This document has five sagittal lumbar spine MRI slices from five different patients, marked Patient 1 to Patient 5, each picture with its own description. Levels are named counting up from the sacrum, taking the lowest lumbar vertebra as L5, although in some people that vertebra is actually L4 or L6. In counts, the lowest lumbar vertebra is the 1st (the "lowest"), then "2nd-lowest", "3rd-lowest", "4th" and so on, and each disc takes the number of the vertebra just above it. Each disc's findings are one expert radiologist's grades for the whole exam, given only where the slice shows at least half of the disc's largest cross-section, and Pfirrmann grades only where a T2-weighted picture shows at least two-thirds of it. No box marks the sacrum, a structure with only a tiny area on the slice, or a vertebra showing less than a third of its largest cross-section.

Patient 1 of 5:
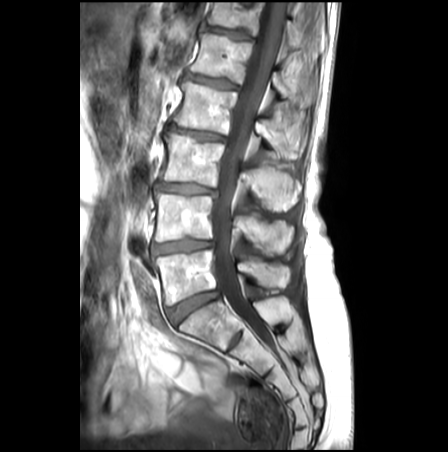 Patient sex: F | Lumbar spine MR, T1-weighted, sagittal | Slice 15 of 27
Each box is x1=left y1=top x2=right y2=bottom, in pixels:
Structures:
- L2 vertebra at x1=173 y1=80 x2=297 y2=156
- IVD L3/L4 at x1=156 y1=182 x2=213 y2=193
- thecal sac / spinal canal at x1=210 y1=2 x2=286 y2=328
- L1 vertebra at x1=189 y1=33 x2=295 y2=101
- T12/L1 at x1=203 y1=26 x2=250 y2=39
- IVD L5/S1 at x1=167 y1=291 x2=218 y2=324
- IVD L4/L5 at x1=152 y1=239 x2=212 y2=254
- L3 at x1=161 y1=133 x2=300 y2=210
- L5 at x1=156 y1=250 x2=291 y2=305
- T12 at x1=206 y1=2 x2=299 y2=50
- IVD L1/L2 at x1=186 y1=74 x2=237 y2=89
- L4 vertebra at x1=154 y1=192 x2=293 y2=254
- IVD L2/L3 at x1=167 y1=125 x2=225 y2=141

Degenerative findings by level:
  L1/L2: lower-endplate change, disc bulging, upper-endplate change
  L2/L3: Modic type II, disc narrowing, lower-endplate change, disc bulging, upper-endplate change
  T12/L1: lower-endplate change, upper-endplate change
  L3/L4: disc bulging, Modic type II, lower-endplate change, upper-endplate change, disc narrowing
  L4/L5: disc narrowing, lower-endplate change, Modic type II, disc bulging, upper-endplate change
  L5/S1: no spondylolisthesis, narrowing, bulging, herniation, Modic or endplate change recorded

Patient 2 of 5:
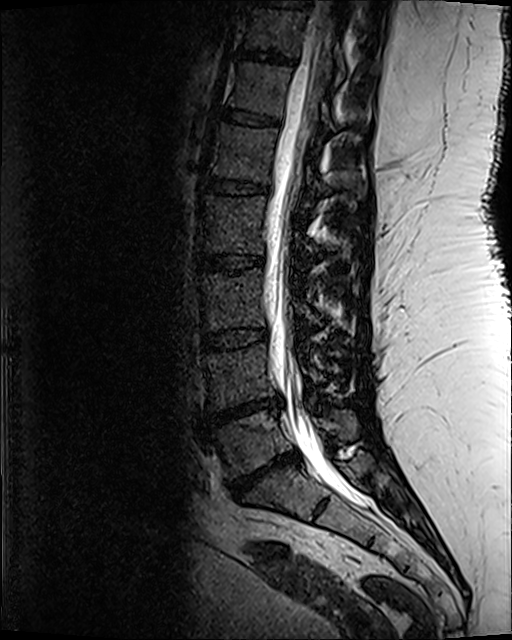

512x640 px. Lumbar spine MR, T2 SPACE (3D), sagittal.
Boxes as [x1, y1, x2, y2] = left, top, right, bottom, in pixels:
L2/L3 at [199, 255, 263, 272] | T11 vertebra at [245, 7, 345, 75] | IVD L4/L5 at [211, 399, 280, 423] | L3/L4 at [202, 329, 267, 350] | T12 vertebra at [229, 63, 336, 128] | L5 vertebra at [206, 409, 360, 476] | L4 at [207, 345, 329, 408] | L1 vertebra at [212, 124, 364, 205] | T10/T11 at [258, 0, 310, 7] | IVD L1/L2 at [205, 177, 268, 194] | IVD L5/S1 at [227, 454, 299, 499] | T11/T12 at [240, 51, 291, 63] | L3 at [199, 269, 320, 328] | T12/L1 at [223, 109, 278, 124] | L2 vertebra at [199, 197, 316, 254] | thecal sac / spinal canal at [265, 1, 368, 505]

Expert MSK radiologist gradings (per disc):
  L3/L4: Pfirrmann grade 3
  T12/L1: Pfirrmann grade 3
  L2/L3: Pfirrmann grade 3, upper-endplate change, lower-endplate change
  L4/L5: upper-endplate change, lower-endplate change, Modic type II, disc narrowing, disc herniation
  L1/L2: Pfirrmann grade 3, lower-endplate change
  L5/S1: Pfirrmann grade 5, lower-endplate change, Modic type II, disc herniation, disc narrowing, upper-endplate change
  T11/T12: Pfirrmann grade 3, lower-endplate change

Patient 3 of 5:
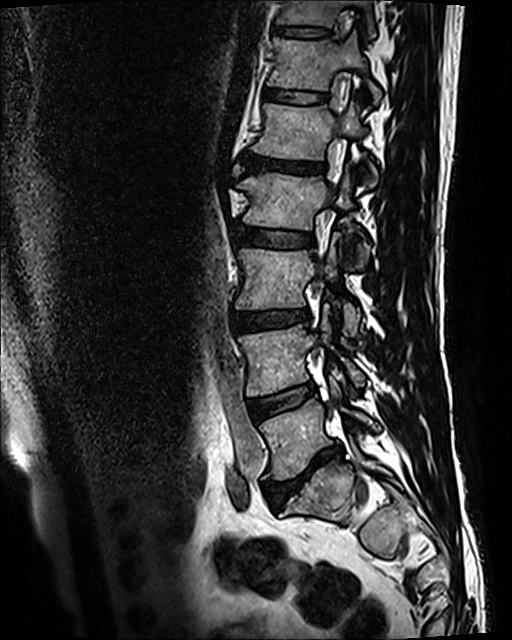

Image 512x640. Slice 78 of 120. MRI lumbar spine (T2 SPACE (3D)), sagittal plane. Sex M. Slice spacing 0.9 mm.
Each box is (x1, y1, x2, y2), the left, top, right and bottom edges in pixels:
Lowest vertebra at (260, 382, 380, 479).
5th disc at (242, 152, 325, 176).
7th disc at (273, 28, 330, 37).
6th vertebra at (268, 33, 381, 101).
2nd-lowest vertebra at (239, 309, 364, 396).
2nd-lowest disc at (247, 383, 316, 416).
6th disc at (265, 88, 327, 104).
3rd-lowest disc at (231, 309, 310, 332).
7th vertebra at (278, 0, 373, 32).
Lowest disc at (264, 443, 344, 505).
4th disc at (234, 222, 314, 248).
4th vertebra at (238, 172, 368, 265).
5th vertebra at (251, 102, 377, 185).
3rd-lowest vertebra at (235, 239, 361, 335).

Per-level radiological findings:
  4th disc: Pfirrmann grade 3
  7th disc: Pfirrmann grade 3, upper-endplate change, lower-endplate change
  3rd-lowest disc: Pfirrmann grade 3, disc bulging, upper-endplate change, lower-endplate change
  5th disc: Pfirrmann grade 5, upper-endplate change, Modic type II, lower-endplate change, disc narrowing, disc bulging
  6th disc: Pfirrmann grade 3
  lowest disc: Pfirrmann grade 5, disc narrowing, upper-endplate change, disc bulging, Modic type II, lower-endplate change
  2nd-lowest disc: Modic type II

Patient 4 of 5:
Sex M | MRI lumbar spine (T1-weighted), sagittal plane

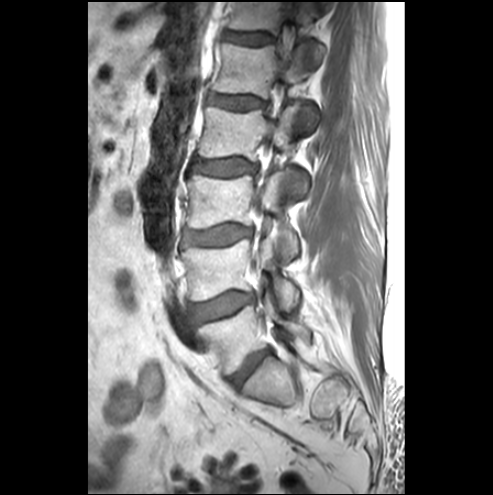

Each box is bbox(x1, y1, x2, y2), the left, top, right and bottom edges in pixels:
{"L2": "bbox(198, 105, 305, 192)", "intervertebral disc L2/L3": "bbox(190, 159, 255, 175)", "L5 vertebra": "bbox(199, 294, 309, 373)", "L1/L2": "bbox(209, 94, 263, 109)", "intervertebral disc L5/S1": "bbox(230, 351, 267, 386)", "L1": "bbox(213, 43, 318, 133)", "L3": "bbox(187, 171, 297, 257)", "L4 vertebra": "bbox(181, 237, 299, 309)", "T12 vertebra": "bbox(228, 2, 322, 60)", "L4/L5": "bbox(192, 292, 253, 320)", "intervertebral disc L3/L4": "bbox(184, 226, 251, 244)", "T12/L1": "bbox(224, 32, 273, 44)"}

Expert MSK radiologist gradings (per disc):
- L3/L4: disc bulging
- L4/L5: disc bulging, Modic type III
- L1/L2, T12/L1, L2/L3: no herniation, bulging, narrowing, spondylolisthesis, endplate or Modic change recorded

Patient 5 of 5:
Sagittal slice index 75 | Scanner: SIEMENS Avanto_fit (1.5T) | Sagittal T2 SPACE (3D) lumbar spine MRI | 512x640 px 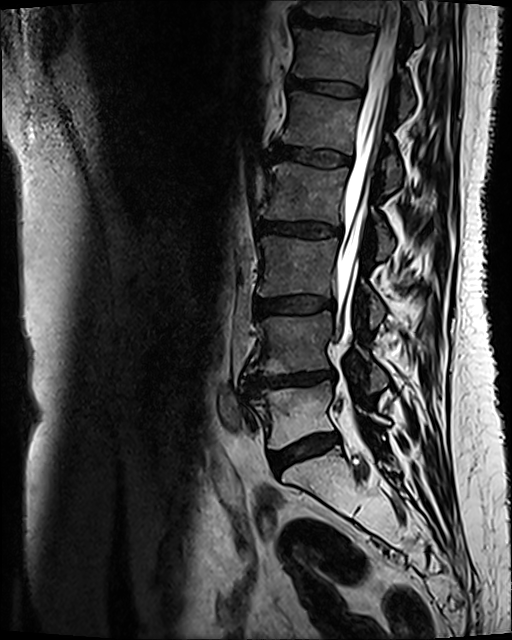
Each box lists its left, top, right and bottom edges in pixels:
Segmented structures:
- T12/L1 (6th disc): left=287, top=78, right=361, bottom=96
- thecal sac / spinal canal: left=334, top=1, right=399, bottom=346
- disc L4/L5 (2nd-lowest disc): left=243, top=370, right=333, bottom=394
- T12 (6th vertebra): left=293, top=28, right=414, bottom=118
- disc L5/S1 (lowest disc): left=271, top=434, right=339, bottom=473
- L2 (4th vertebra): left=265, top=163, right=393, bottom=259
- L4 (2nd-lowest vertebra): left=246, top=311, right=388, bottom=392
- disc L2/L3 (4th disc): left=258, top=222, right=342, bottom=236
- L3 (3rd-lowest vertebra): left=257, top=235, right=384, bottom=327
- T11 (7th vertebra): left=304, top=0, right=424, bottom=44
- L3/L4 (3rd-lowest disc): left=255, top=297, right=333, bottom=314
- L5 (lowest vertebra): left=252, top=381, right=388, bottom=449
- disc T11/T12 (7th disc): left=293, top=13, right=372, bottom=31
- disc L1/L2 (5th disc): left=270, top=143, right=349, bottom=167
- L1 (5th vertebra): left=282, top=91, right=401, bottom=193

Expert MSK radiologist gradings (per disc):
  L3/L4 (3rd-lowest disc): Pfirrmann grade 3, disc bulging, Modic type II
  L5/S1 (lowest disc): Pfirrmann grade 3, disc bulging, Modic type II
  T12/L1 (6th disc): Pfirrmann grade 3, Modic type II
  L4/L5 (2nd-lowest disc): Pfirrmann grade 4, disc narrowing, lower-endplate change, disc bulging, Modic type II, upper-endplate change
  T11/T12 (7th disc): Pfirrmann grade 4, upper-endplate change, lower-endplate change, Modic type II
  L1/L2 (5th disc): Pfirrmann grade 3, Modic type II
  L2/L3 (4th disc): Pfirrmann grade 3, disc bulging, Modic type II